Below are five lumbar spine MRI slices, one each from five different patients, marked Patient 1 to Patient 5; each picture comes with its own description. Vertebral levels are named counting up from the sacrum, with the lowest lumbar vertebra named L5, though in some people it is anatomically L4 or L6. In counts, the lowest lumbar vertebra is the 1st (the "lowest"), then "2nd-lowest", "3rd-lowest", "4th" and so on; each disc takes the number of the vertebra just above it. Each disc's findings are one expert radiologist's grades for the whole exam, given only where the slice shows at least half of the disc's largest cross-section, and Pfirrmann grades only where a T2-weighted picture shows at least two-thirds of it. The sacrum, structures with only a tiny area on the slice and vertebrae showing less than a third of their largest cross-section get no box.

Patient 1 of 5:
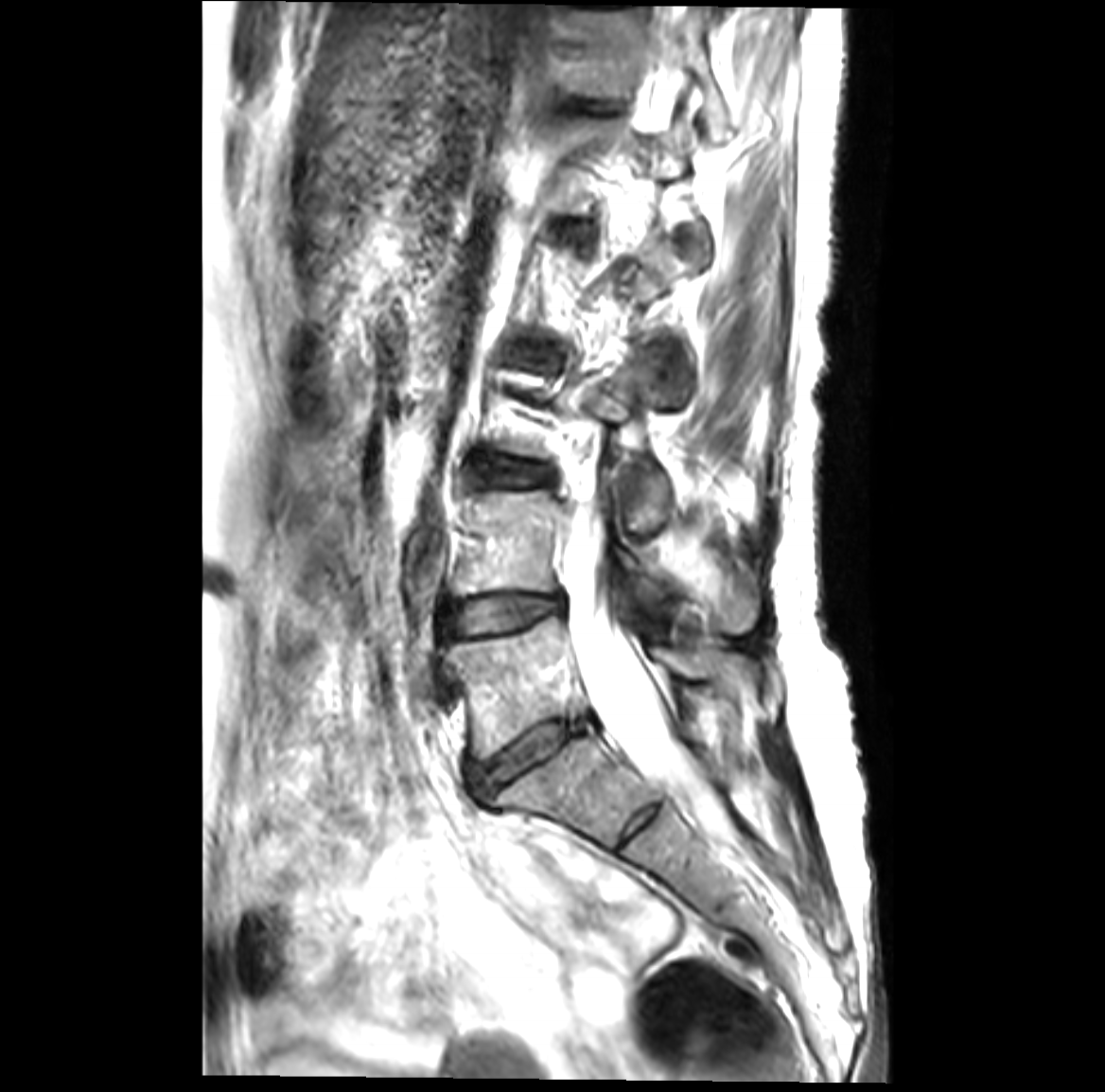 Slice spacing 3.4 mm; 1105x1092 px; Sagittal slice index 17; Sagittal T2-weighted lumbar spine MRI
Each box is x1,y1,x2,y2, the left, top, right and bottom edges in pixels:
L5 vertebra at 444,616,757,758; thecal sac / spinal canal at 568,56,726,832; L4/L5 at 450,595,563,634; L4 vertebra at 455,489,760,632; disc L5/S1 at 469,719,590,797; disc T12/L1 at 587,104,605,111; L3/L4 at 482,459,547,484; T12 vertebra at 568,9,728,140.

Radiological gradings:
- L4/L5: Pfirrmann grade 3, Modic type II, disc bulging
- L5/S1: Pfirrmann grade 4, disc narrowing, Modic type II, disc bulging

Patient 2 of 5:
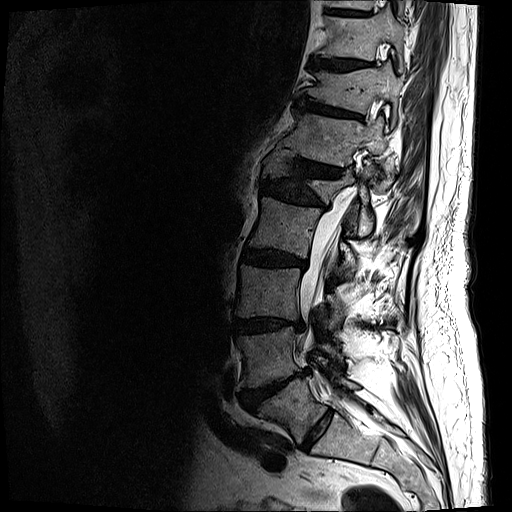
Field of view 300x300 mm, slice spacing 3.3 mm; Sagittal T2-weighted lumbar spine MRI
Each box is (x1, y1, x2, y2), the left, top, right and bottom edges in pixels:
Annotations:
• T11/T12 — (295, 98, 361, 118)
• L2 — (248, 197, 357, 277)
• intervertebral disc T12/L1 — (277, 147, 342, 177)
• intervertebral disc T10/T11 — (310, 58, 369, 70)
• L5 — (261, 377, 358, 443)
• L5/S1 — (302, 409, 333, 450)
• L3 — (235, 264, 344, 329)
• L1 vertebra — (263, 151, 375, 235)
• intervertebral disc L3/L4 — (235, 318, 303, 334)
• intervertebral disc L1/L2 — (261, 180, 327, 207)
• T11 — (298, 63, 402, 125)
• T12 vertebra — (280, 109, 393, 189)
• spinal canal — (299, 192, 355, 350)
• L4 — (238, 326, 343, 387)
• intervertebral disc L4/L5 — (241, 369, 310, 410)
• T9/T10 — (330, 9, 366, 15)
• L2/L3 — (241, 248, 307, 268)
• T10 vertebra — (320, 10, 406, 69)

Per-level radiological findings:
  T12/L1: Pfirrmann grade 4, disc narrowing, upper-endplate change, disc bulging, lower-endplate change
  T10/T11: Pfirrmann grade 4, lower-endplate change, upper-endplate change, disc bulging
  L3/L4: Pfirrmann grade 4, lower-endplate change, upper-endplate change, disc bulging, disc narrowing
  L1/L2: Pfirrmann grade 4, disc bulging, disc narrowing, lower-endplate change, upper-endplate change
  L5/S1: Pfirrmann grade 2
  T11/T12: Pfirrmann grade 4, upper-endplate change, disc narrowing, lower-endplate change, disc bulging
  L4/L5: Pfirrmann grade 5, disc herniation, lower-endplate change, Modic type II, upper-endplate change, disc bulging, disc narrowing
  L2/L3: Pfirrmann grade 4, Modic type II, lower-endplate change, disc bulging, disc narrowing, upper-endplate change

Patient 3 of 5:
Slice 55 of 130 | MRI lumbar spine (T2 SPACE (3D)), sagittal plane
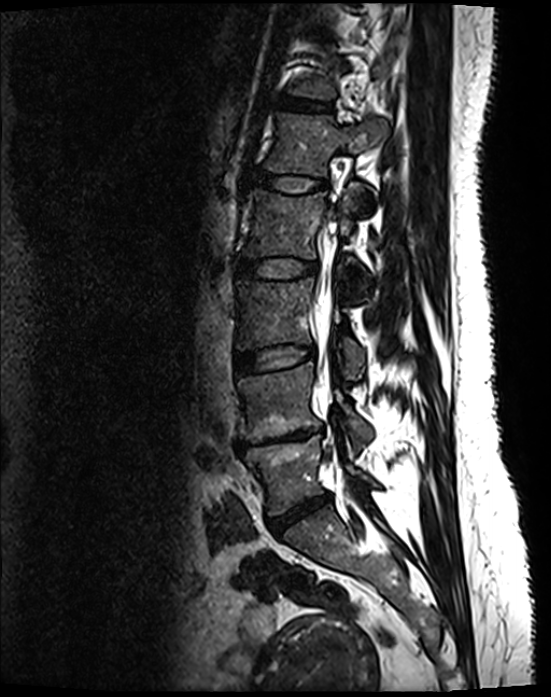
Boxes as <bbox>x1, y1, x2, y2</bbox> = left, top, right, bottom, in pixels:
Structures:
- L1/L2 (5th disc): <bbox>254, 173, 324, 190</bbox>
- L3 (3rd-lowest vertebra): <bbox>236, 279, 363, 377</bbox>
- intervertebral disc L2/L3 (4th disc): <bbox>236, 259, 315, 278</bbox>
- intervertebral disc T12/L1 (6th disc): <bbox>279, 98, 327, 111</bbox>
- thecal sac / spinal canal: <bbox>314, 206, 339, 399</bbox>
- L5 (lowest vertebra): <bbox>244, 435, 373, 514</bbox>
- L2 (4th vertebra): <bbox>243, 184, 367, 296</bbox>
- L4 (2nd-lowest vertebra): <bbox>238, 364, 371, 443</bbox>
- L5/S1 (lowest disc): <bbox>268, 495, 331, 531</bbox>
- L3/L4 (3rd-lowest disc): <bbox>235, 346, 314, 373</bbox>
- intervertebral disc L4/L5 (2nd-lowest disc): <bbox>236, 429, 322, 449</bbox>
- L1 (5th vertebra): <bbox>264, 112, 385, 176</bbox>

Expert MSK radiologist gradings (per disc):
- L5/S1 (lowest disc): disc bulging, disc narrowing
- L4/L5 (2nd-lowest disc): disc narrowing, disc bulging, lower-endplate change, Modic type II, upper-endplate change
- L2/L3 (4th disc): Pfirrmann grade 2
- L1/L2 (5th disc): Pfirrmann grade 2
- L3/L4 (3rd-lowest disc): Pfirrmann grade 2
- T12/L1 (6th disc): no herniation, bulging, narrowing, spondylolisthesis, endplate or Modic change recorded

Patient 4 of 5:
MRI lumbar spine (T1-weighted), sagittal plane | Slice spacing 3.2 mm

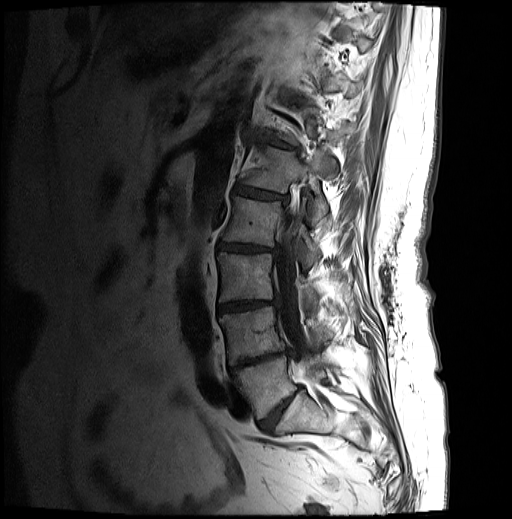
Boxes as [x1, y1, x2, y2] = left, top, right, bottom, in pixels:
Intervertebral disc L2/L3 = [218, 242, 274, 253].
Intervertebral disc L3/L4 = [218, 300, 276, 312].
Thecal sac / spinal canal = [275, 191, 317, 382].
L5 = [234, 354, 329, 419].
L5/S1 = [258, 386, 301, 431].
L3 = [217, 252, 319, 302].
Intervertebral disc L4/L5 = [229, 348, 289, 372].
L4 vertebra = [219, 306, 331, 365].
L2 vertebra = [222, 197, 320, 264].
T12/L1 = [259, 136, 298, 151].
L1 = [238, 146, 329, 225].
L1/L2 = [234, 185, 287, 202].

Expert MSK radiologist gradings (per disc):
• T12/L1: Modic type II, lower-endplate change, disc narrowing, upper-endplate change, disc bulging
• L1/L2: disc bulging, Modic type II, disc narrowing, lower-endplate change, upper-endplate change
• L2/L3: disc bulging, upper-endplate change, Modic type II, lower-endplate change, disc narrowing
• L3/L4: lower-endplate change, Modic type II, disc narrowing, upper-endplate change, disc bulging
• L5/S1: disc narrowing, disc bulging
• L4/L5: upper-endplate change, Modic type II, disc bulging, disc narrowing, lower-endplate change

Patient 5 of 5:
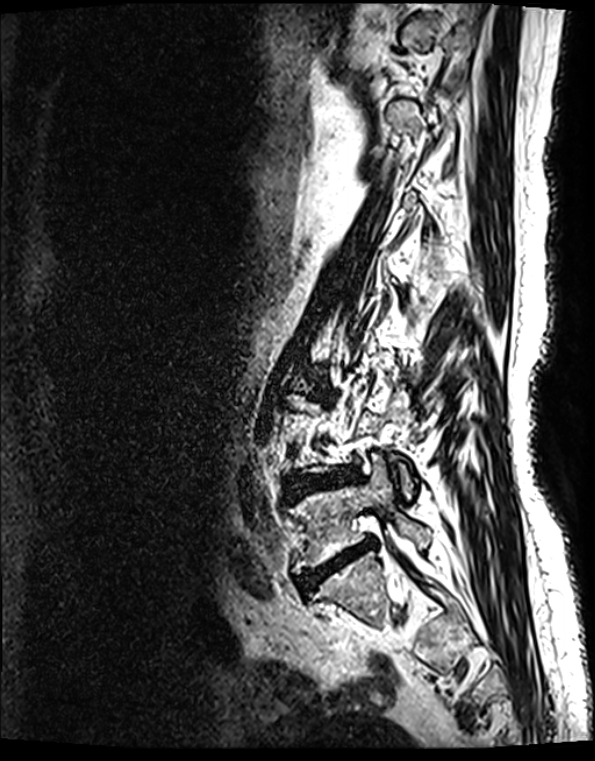
MRI lumbar spine (T2 SPACE (3D)), sagittal plane | Patient sex: F | Image 595x761 | Slice 41 of 139

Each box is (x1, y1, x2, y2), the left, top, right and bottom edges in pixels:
Lowest disc = (299, 539, 373, 592).
2nd-lowest disc = (287, 471, 350, 494).
Lowest vertebra = (291, 454, 429, 573).

Degenerative findings by level:
- lowest disc: Pfirrmann grade 5, lower-endplate change, disc narrowing, Modic type II, upper-endplate change, disc bulging